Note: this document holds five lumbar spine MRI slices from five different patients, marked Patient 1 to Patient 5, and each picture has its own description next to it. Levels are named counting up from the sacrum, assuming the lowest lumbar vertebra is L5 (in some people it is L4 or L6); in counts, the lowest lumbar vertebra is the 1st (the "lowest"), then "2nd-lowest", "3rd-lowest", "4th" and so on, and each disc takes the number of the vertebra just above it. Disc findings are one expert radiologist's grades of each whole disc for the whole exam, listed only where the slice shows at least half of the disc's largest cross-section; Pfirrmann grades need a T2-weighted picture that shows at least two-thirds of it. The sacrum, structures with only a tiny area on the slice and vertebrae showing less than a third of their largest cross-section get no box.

Patient 1 of 5:
Sagittal slice index 18. Sagittal T2-weighted lumbar spine MRI. Sex F.
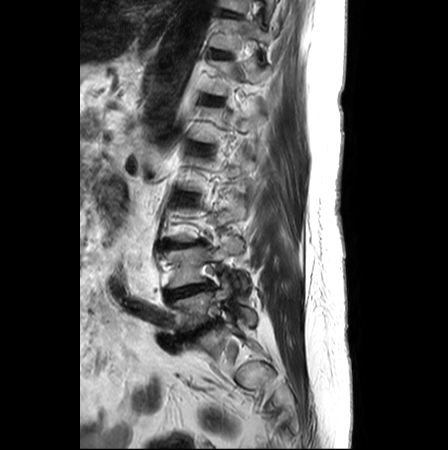 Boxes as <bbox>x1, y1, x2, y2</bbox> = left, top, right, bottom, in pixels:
- L4/L5 (2nd-lowest disc) = <bbox>166, 282, 211, 299</bbox>
- T12 (6th vertebra) = <bbox>203, 61, 268, 95</bbox>
- disc T12/L1 (6th disc) = <bbox>207, 98, 220, 104</bbox>
- L3/L4 (3rd-lowest disc) = <bbox>163, 240, 205, 248</bbox>
- L5 (lowest vertebra) = <bbox>172, 276, 256, 333</bbox>
- L1 (5th vertebra) = <bbox>193, 107, 256, 142</bbox>
- disc L5/S1 (lowest disc) = <bbox>184, 321, 215, 339</bbox>
- T10 (8th vertebra) = <bbox>220, 0, 273, 14</bbox>
- L4 (2nd-lowest vertebra) = <bbox>164, 237, 249, 293</bbox>
- T11 (7th vertebra) = <bbox>210, 17, 270, 50</bbox>
- T11/T12 (7th disc) = <bbox>212, 51, 228, 57</bbox>

Degenerative findings by level:
  L4/L5 (2nd-lowest disc): Pfirrmann grade 5, disc narrowing, disc bulging

Patient 2 of 5:
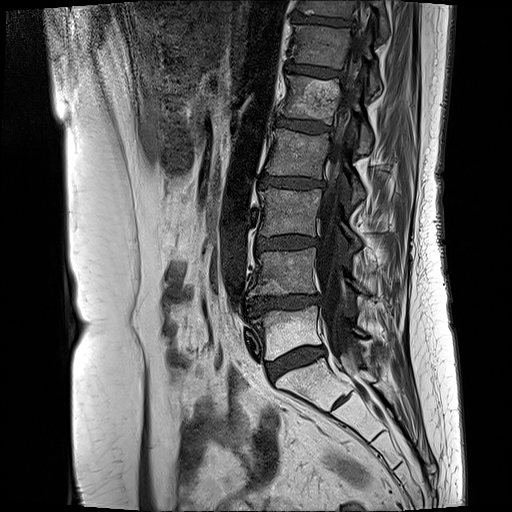

Sex F, MRI lumbar spine (T1-weighted), sagittal plane

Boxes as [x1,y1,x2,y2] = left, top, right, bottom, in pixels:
Structures:
* intervertebral disc T11/T12 at [294,14,354,25]
* L3 at [259,187,362,246]
* T12/L1 at [286,62,340,77]
* L4 at [247,247,366,297]
* L5 vertebra at [251,306,365,358]
* intervertebral disc L5/S1 at [267,346,326,380]
* T11 vertebra at [298,0,388,39]
* thecal sac / spinal canal at [316,35,365,375]
* intervertebral disc L4/L5 at [245,295,320,315]
* L2/L3 at [260,174,325,188]
* T12 at [294,25,378,93]
* intervertebral disc L1/L2 at [276,118,330,131]
* L2 at [266,130,365,201]
* L3/L4 at [257,237,318,249]
* L1 vertebra at [279,75,373,153]

Expert MSK radiologist gradings (per disc):
• L1/L2: Modic type II
• T11/T12: Modic type II, lower-endplate change, upper-endplate change
• L2/L3: disc bulging, Modic type II
• L3/L4: disc bulging, Modic type II
• T12/L1: Modic type II
• L4/L5: disc bulging, Modic type II, upper-endplate change, disc narrowing, lower-endplate change
• L5/S1: disc bulging, Modic type II

Patient 3 of 5:
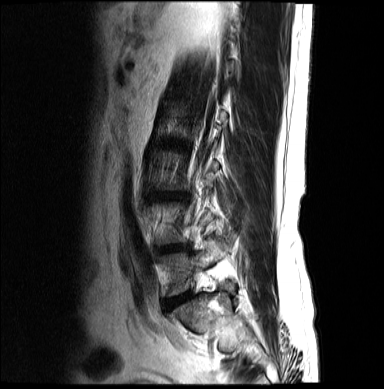
384x389 px. T2-weighted sagittal MRI of the lumbar spine. Sex M.

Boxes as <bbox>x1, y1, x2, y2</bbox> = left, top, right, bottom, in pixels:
Intervertebral disc L5/S1 (lowest disc): <bbox>166, 292, 191, 309</bbox>.
L5 (lowest vertebra): <bbox>160, 239, 232, 295</bbox>.
L4/L5 (2nd-lowest disc): <bbox>157, 244, 189, 253</bbox>.

Patient 4 of 5:
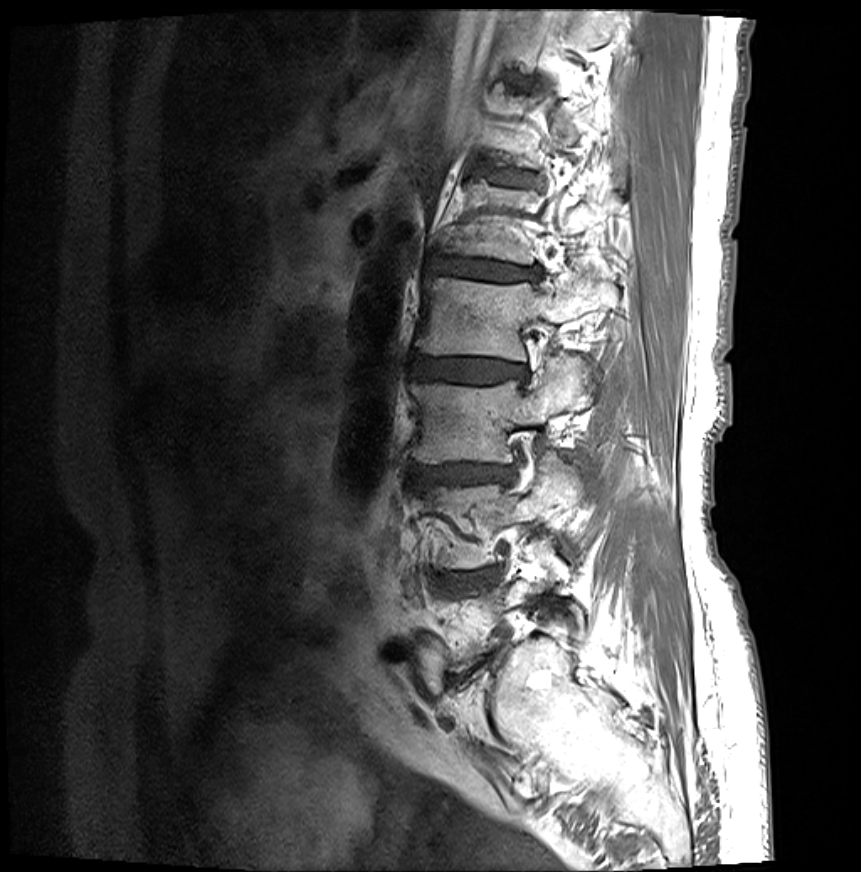 MRI lumbar spine (T1-weighted), sagittal plane; Image 861x872; Field of view 300x304 mm
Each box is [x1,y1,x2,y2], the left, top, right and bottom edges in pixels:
IVD T12/L1 — [493,171,529,184].
L1/L2 — [429,257,539,281].
L3/L4 — [410,464,513,486].
L4 vertebra — [424,452,579,568].
L1 — [442,182,599,263].
L2 — [415,271,614,361].
L3 — [410,354,591,463].
IVD L4/L5 — [441,569,498,587].
L2/L3 — [412,357,525,382].

Per-level radiological findings:
- L2/L3: disc bulging, upper-endplate change, Modic type II, lower-endplate change, disc narrowing
- L3/L4: upper-endplate change, lower-endplate change, disc bulging, Modic type II, disc narrowing
- L1/L2: disc bulging, disc narrowing, Modic type II, lower-endplate change, upper-endplate change

Patient 5 of 5:
T2-weighted sagittal MRI of the lumbar spine | Slice 13 of 17 | SIEMENS Avanto_fit (1.5T)
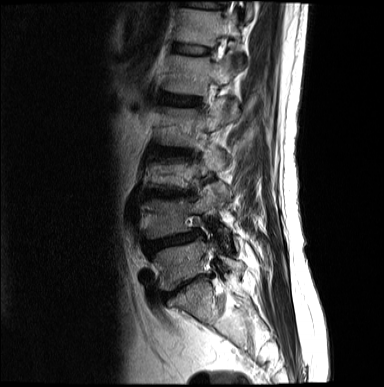

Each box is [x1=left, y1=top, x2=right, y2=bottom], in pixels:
Segmented structures:
- L4 at [x1=144, y1=183, x2=231, y2=240]
- T12 at [x1=176, y1=8, x2=240, y2=45]
- L1 at [x1=164, y1=52, x2=235, y2=95]
- IVD L2/L3 at [x1=153, y1=147, x2=193, y2=156]
- L3/L4 at [x1=141, y1=190, x2=187, y2=199]
- L5 at [x1=153, y1=238, x2=245, y2=290]
- L5/S1 at [x1=161, y1=274, x2=210, y2=298]
- IVD T12/L1 at [x1=175, y1=44, x2=209, y2=54]
- L2 vertebra at [x1=157, y1=100, x2=239, y2=146]
- L4/L5 at [x1=145, y1=229, x2=201, y2=256]
- L1/L2 at [x1=161, y1=93, x2=200, y2=106]
- T11/T12 at [x1=185, y1=0, x2=221, y2=10]

Expert MSK radiologist gradings (per disc):
- L1/L2: Pfirrmann grade 3, upper-endplate change, disc bulging, lower-endplate change
- T11/T12: Pfirrmann grade 2
- T12/L1: Pfirrmann grade 2
- L4/L5: Pfirrmann grade 4, upper-endplate change, disc narrowing, disc bulging, lower-endplate change
- L3/L4: disc bulging, disc narrowing, lower-endplate change, upper-endplate change
- L5/S1: Pfirrmann grade 5, upper-endplate change, lower-endplate change, disc bulging, disc narrowing